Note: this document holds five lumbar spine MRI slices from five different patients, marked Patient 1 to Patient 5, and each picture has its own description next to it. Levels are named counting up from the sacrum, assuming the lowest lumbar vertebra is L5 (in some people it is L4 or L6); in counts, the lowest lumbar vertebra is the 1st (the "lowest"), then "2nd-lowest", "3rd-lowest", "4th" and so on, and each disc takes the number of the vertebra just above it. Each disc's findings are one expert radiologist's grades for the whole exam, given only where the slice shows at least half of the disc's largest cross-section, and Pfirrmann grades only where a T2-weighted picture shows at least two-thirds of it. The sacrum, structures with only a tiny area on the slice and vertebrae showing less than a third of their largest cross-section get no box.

Patient 1 of 5:
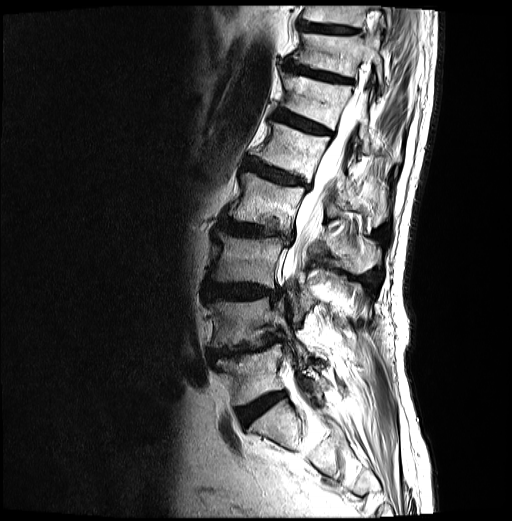
512x521 px | Sagittal T2-weighted lumbar spine MRI | Patient sex: M
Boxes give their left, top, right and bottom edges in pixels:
Annotations:
• IVD T11/T12: left=284, top=61, right=352, bottom=83
• T10: left=302, top=6, right=392, bottom=34
• IVD L2/L3: left=218, top=219, right=291, bottom=243
• L1 vertebra: left=250, top=122, right=388, bottom=226
• L5 vertebra: left=216, top=344, right=326, bottom=405
• thecal sac / spinal canal: left=283, top=13, right=378, bottom=281
• T10/T11: left=298, top=21, right=359, bottom=33
• T12/L1: left=274, top=109, right=331, bottom=134
• L2 vertebra: left=226, top=173, right=381, bottom=273
• L3/L4: left=205, top=281, right=279, bottom=300
• IVD L1/L2: left=244, top=158, right=309, bottom=189
• T12 vertebra: left=281, top=72, right=399, bottom=161
• IVD L4/L5: left=216, top=336, right=276, bottom=357
• L3 vertebra: left=211, top=231, right=359, bottom=321
• T11: left=291, top=31, right=385, bottom=91
• L4: left=210, top=298, right=304, bottom=354
• L5/S1: left=238, top=392, right=285, bottom=425

Radiological gradings:
- L2/L3: Pfirrmann grade 4, lower-endplate change, upper-endplate change, disc narrowing, disc bulging, Modic type I
- T12/L1: Pfirrmann grade 4, disc bulging, upper-endplate change, Modic type II, lower-endplate change
- L1/L2: Pfirrmann grade 4, lower-endplate change, disc bulging, upper-endplate change, Modic type II
- T11/T12: Pfirrmann grade 4, disc bulging, lower-endplate change, upper-endplate change
- T10/T11: Pfirrmann grade 3
- L3/L4: Pfirrmann grade 4, upper-endplate change, disc bulging, lower-endplate change
- L5/S1: no herniation, bulging, narrowing, spondylolisthesis, endplate or Modic change recorded

Patient 2 of 5:
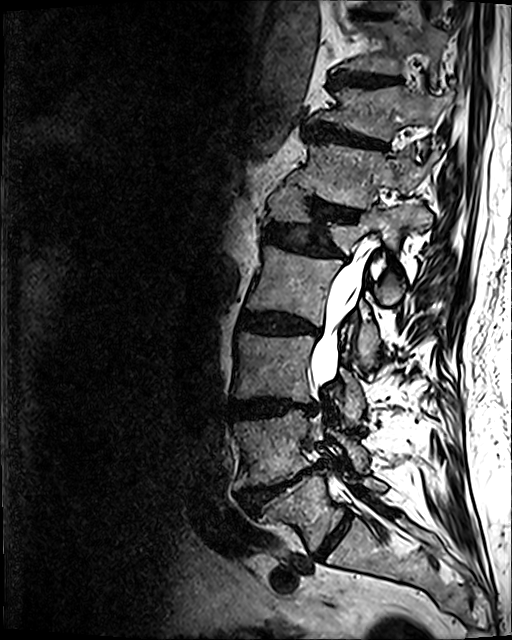 MRI lumbar spine (T2 SPACE (3D)), sagittal plane. Slice 50 of 120.

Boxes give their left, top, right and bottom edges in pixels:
Annotations:
- L1 (5th vertebra) at left=265, top=182, right=432, bottom=304
- intervertebral disc L3/L4 (3rd-lowest disc) at left=232, top=398, right=315, bottom=419
- intervertebral disc L1/L2 (5th disc) at left=264, top=224, right=343, bottom=256
- T11 (7th vertebra) at left=309, top=86, right=450, bottom=140
- L5 (lowest vertebra) at left=268, top=464, right=386, bottom=550
- intervertebral disc T10/T11 (8th disc) at left=330, top=73, right=398, bottom=86
- L2 (4th vertebra) at left=246, top=244, right=379, bottom=356
- T10 (8th vertebra) at left=342, top=20, right=447, bottom=74
- L5/S1 (lowest disc) at left=314, top=512, right=351, bottom=558
- L3 (3rd-lowest vertebra) at left=232, top=332, right=364, bottom=424
- L4 (2nd-lowest vertebra) at left=234, top=410, right=366, bottom=487
- L2/L3 (4th disc) at left=239, top=312, right=319, bottom=334
- thecal sac / spinal canal at left=311, top=242, right=371, bottom=387
- T12/L1 (6th disc) at left=309, top=198, right=358, bottom=220
- T12 (6th vertebra) at left=290, top=139, right=437, bottom=229
- T11/T12 (7th disc) at left=305, top=124, right=385, bottom=149
- intervertebral disc L4/L5 (2nd-lowest disc) at left=243, top=465, right=319, bottom=512

Per-level radiological findings:
  L1/L2 (5th disc): Pfirrmann grade 4, upper-endplate change, disc narrowing, disc bulging, lower-endplate change
  L3/L4 (3rd-lowest disc): Pfirrmann grade 4, upper-endplate change, disc bulging, disc narrowing, lower-endplate change
  L2/L3 (4th disc): Pfirrmann grade 4, Modic type II, lower-endplate change, disc narrowing, disc bulging, upper-endplate change
  T10/T11 (8th disc): Pfirrmann grade 4, upper-endplate change, lower-endplate change, disc bulging
  T11/T12 (7th disc): Pfirrmann grade 4, disc bulging, upper-endplate change, lower-endplate change, disc narrowing
  T12/L1 (6th disc): disc narrowing, lower-endplate change, upper-endplate change, disc bulging
  L4/L5 (2nd-lowest disc): Pfirrmann grade 5, disc narrowing, disc herniation, lower-endplate change, disc bulging, upper-endplate change, Modic type II
  L5/S1 (lowest disc): no spondylolisthesis, narrowing, bulging, herniation, Modic or endplate change recorded

Patient 3 of 5:
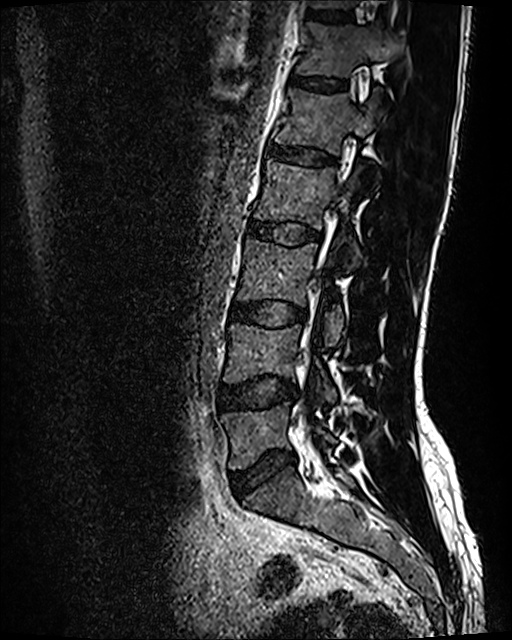

T2 SPACE (3D) sagittal MRI of the lumbar spine

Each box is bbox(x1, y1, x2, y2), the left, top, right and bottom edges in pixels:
T11/T12 (7th disc) at bbox(307, 8, 352, 22); L3 (3rd-lowest vertebra) at bbox(237, 238, 344, 346); T12/L1 (6th disc) at bbox(292, 76, 345, 90); L5 (lowest vertebra) at bbox(221, 402, 335, 469); IVD L3/L4 (3rd-lowest disc) at bbox(231, 302, 305, 327); IVD L4/L5 (2nd-lowest disc) at bbox(220, 377, 297, 409); L1/L2 (5th disc) at bbox(268, 143, 335, 165); L4 (2nd-lowest vertebra) at bbox(224, 324, 336, 401); T12 (6th vertebra) at bbox(295, 22, 404, 77); L5/S1 (lowest disc) at bbox(230, 451, 295, 497); L1 (5th vertebra) at bbox(274, 88, 382, 154); L2 (4th vertebra) at bbox(254, 159, 362, 268); IVD L2/L3 (4th disc) at bbox(246, 218, 320, 245).

Expert MSK radiologist gradings (per disc):
  L2/L3 (4th disc): Pfirrmann grade 2
  L5/S1 (lowest disc): Pfirrmann grade 2, disc bulging
  L3/L4 (3rd-lowest disc): Pfirrmann grade 2, disc bulging
  L4/L5 (2nd-lowest disc): Pfirrmann grade 2, disc bulging
  T12/L1 (6th disc): Pfirrmann grade 2
  L1/L2 (5th disc): Pfirrmann grade 2
  T11/T12 (7th disc): no herniation, bulging, narrowing, spondylolisthesis, endplate or Modic change recorded

Patient 4 of 5:
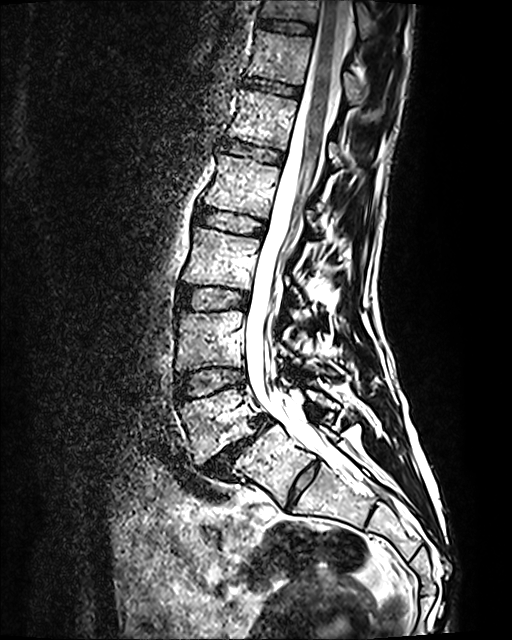
Field of view 240x300 mm. Sex F. MRI lumbar spine (T2 SPACE (3D)), sagittal plane. Sagittal slice index 58. 512x640 px.

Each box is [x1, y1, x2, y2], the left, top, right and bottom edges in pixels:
T12 (6th vertebra) = [246, 31, 369, 104].
Disc T11/T12 (7th disc) = [258, 19, 314, 33].
Disc L1/L2 (5th disc) = [221, 141, 283, 163].
L1 (5th vertebra) = [227, 89, 348, 167].
L5 (lowest vertebra) = [179, 388, 338, 462].
L2/L3 (4th disc) = [195, 208, 264, 235].
L4/L5 (2nd-lowest disc) = [175, 367, 245, 401].
L3 (3rd-lowest vertebra) = [182, 227, 304, 304].
Thecal sac / spinal canal = [244, 0, 350, 461].
L4 (2nd-lowest vertebra) = [177, 310, 302, 370].
Disc L5/S1 (lowest disc) = [202, 415, 270, 478].
T12/L1 (6th disc) = [243, 78, 299, 95].
Disc L3/L4 (3rd-lowest disc) = [177, 287, 249, 309].
T11 (7th vertebra) = [261, 0, 395, 42].
L2 (4th vertebra) = [204, 154, 320, 231].

Per-level radiological findings:
  T12/L1 (6th disc): Pfirrmann grade 2
  L2/L3 (4th disc): Pfirrmann grade 2
  L3/L4 (3rd-lowest disc): Pfirrmann grade 2
  T11/T12 (7th disc): Pfirrmann grade 2
  L5/S1 (lowest disc): Pfirrmann grade 5, disc bulging, Modic type II, disc narrowing, spondylolisthesis
  L1/L2 (5th disc): Pfirrmann grade 2
  L4/L5 (2nd-lowest disc): Pfirrmann grade 2

Patient 5 of 5:
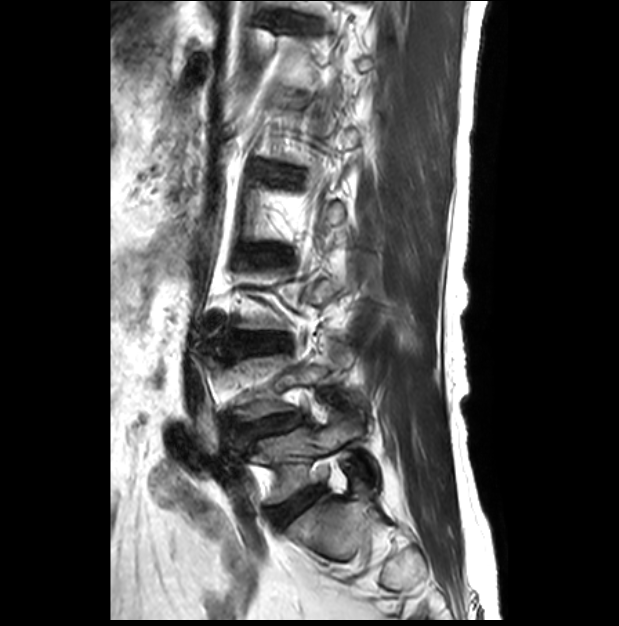 MRI lumbar spine (T2-weighted), sagittal plane. Sex M.

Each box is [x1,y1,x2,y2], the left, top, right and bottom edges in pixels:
L5: [255,414,379,502].
Disc L5/S1: [273,487,324,525].
Disc L1/L2: [253,161,303,189].
L4/L5: [257,414,296,434].
Disc L3/L4: [207,334,288,356].
Disc L2/L3: [233,244,292,267].

Degenerative findings by level:
- L3/L4, L2/L3: no Modic or endplate change, herniation, narrowing, bulging or spondylolisthesis recorded